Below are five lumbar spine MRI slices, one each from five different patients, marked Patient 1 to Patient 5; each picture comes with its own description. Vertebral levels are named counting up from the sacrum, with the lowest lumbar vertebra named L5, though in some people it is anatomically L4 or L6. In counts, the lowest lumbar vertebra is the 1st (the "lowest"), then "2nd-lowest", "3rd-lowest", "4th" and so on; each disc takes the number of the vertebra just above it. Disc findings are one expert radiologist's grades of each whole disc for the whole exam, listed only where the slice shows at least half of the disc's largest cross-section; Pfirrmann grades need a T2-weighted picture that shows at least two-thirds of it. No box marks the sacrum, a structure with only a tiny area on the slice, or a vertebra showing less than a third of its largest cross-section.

Patient 1 of 5:
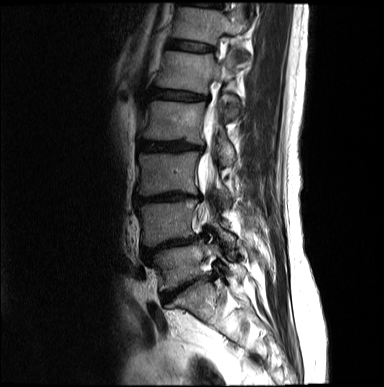 Sex M | T2-weighted sagittal MRI of the lumbar spine | Slice spacing 4.8 mm | 384x387 px

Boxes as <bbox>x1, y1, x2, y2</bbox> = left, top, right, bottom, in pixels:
L2 vertebra = <bbox>139, 96, 235, 165</bbox> | L1/L2 = <bbox>150, 88, 207, 100</bbox> | intervertebral disc T11/T12 = <bbox>182, 2, 219, 7</bbox> | L4 vertebra = <bbox>134, 198, 235, 253</bbox> | L4/L5 = <bbox>142, 235, 203, 262</bbox> | L5/S1 = <bbox>161, 274, 214, 302</bbox> | L1 vertebra = <bbox>156, 50, 239, 119</bbox> | T12/L1 = <bbox>168, 40, 212, 51</bbox> | T12 vertebra = <bbox>173, 4, 247, 44</bbox> | L3 vertebra = <bbox>136, 151, 233, 206</bbox> | L5 = <bbox>153, 240, 246, 290</bbox> | spinal canal = <bbox>198, 105, 217, 200</bbox> | intervertebral disc L3/L4 = <bbox>134, 191, 199, 204</bbox> | L2/L3 = <bbox>138, 140, 202, 151</bbox>

Radiological gradings:
- T12/L1: Pfirrmann grade 2
- L4/L5: Pfirrmann grade 4, disc bulging, lower-endplate change, disc narrowing, upper-endplate change
- L1/L2: Pfirrmann grade 3, upper-endplate change, lower-endplate change, disc bulging
- L5/S1: Pfirrmann grade 5, lower-endplate change, disc narrowing, upper-endplate change, disc bulging
- L3/L4: Pfirrmann grade 5, disc bulging, lower-endplate change, disc narrowing, upper-endplate change
- L2/L3: Pfirrmann grade 4, lower-endplate change, disc bulging, disc narrowing, upper-endplate change
- T11/T12: no spondylolisthesis, narrowing, bulging, herniation, Modic or endplate change recorded

Patient 2 of 5:
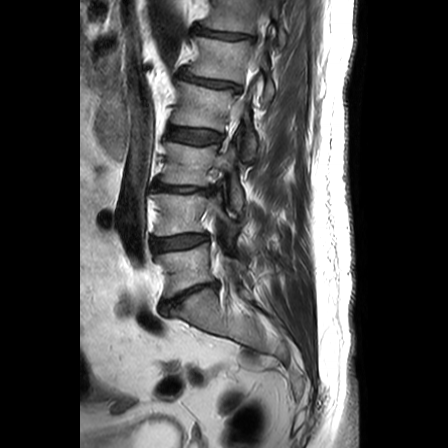
Sex M | Field of view 280x280 mm, slice spacing 3.3 mm | T2-weighted sagittal MRI of the lumbar spine

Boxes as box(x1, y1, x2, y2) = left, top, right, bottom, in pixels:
Segmented structures:
* L2: box(172, 81, 256, 160)
* L3: box(161, 142, 243, 210)
* L1: box(188, 37, 274, 100)
* disc L1/L2: box(178, 70, 240, 91)
* L5 vertebra: box(157, 243, 248, 297)
* disc L4/L5: box(152, 234, 207, 250)
* disc L5/S1: box(159, 282, 217, 314)
* T12: box(201, 0, 286, 47)
* spinal canal: box(235, 47, 262, 116)
* L4: box(152, 193, 238, 235)
* L2/L3: box(168, 127, 222, 144)
* disc T12/L1: box(194, 26, 252, 39)
* disc L3/L4: box(154, 182, 214, 193)

Per-level radiological findings:
- L5/S1: Pfirrmann grade 5, disc bulging, disc narrowing
- L3/L4: Pfirrmann grade 5, disc herniation, disc narrowing
- L2/L3: Pfirrmann grade 2
- T12/L1: Pfirrmann grade 3, disc bulging, disc narrowing
- L1/L2: Pfirrmann grade 3, disc narrowing, disc bulging
- L4/L5: Pfirrmann grade 2, disc bulging

Patient 3 of 5:
Sex F, MRI lumbar spine (T1-weighted), sagittal plane
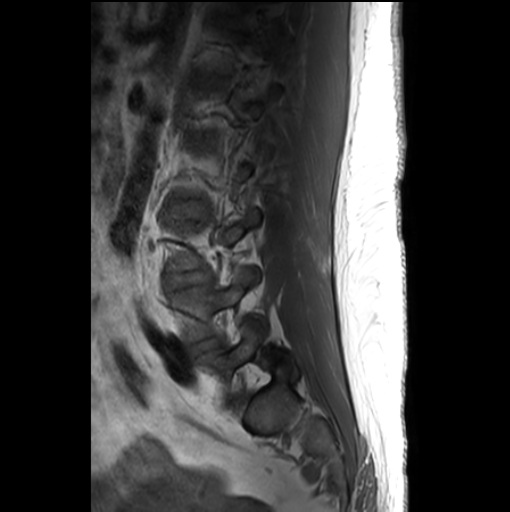
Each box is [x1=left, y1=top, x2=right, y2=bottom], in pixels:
T11 (7th vertebra): [x1=217, y1=2, x2=246, y2=13]
L5 (lowest vertebra): [x1=199, y1=329, x2=297, y2=399]
IVD L4/L5 (2nd-lowest disc): [x1=183, y1=336, x2=221, y2=355]
L3 (3rd-lowest vertebra): [x1=167, y1=210, x2=254, y2=270]
L4 (2nd-lowest vertebra): [x1=167, y1=268, x2=266, y2=342]
L3/L4 (3rd-lowest disc): [x1=165, y1=271, x2=211, y2=287]
L5/S1 (lowest disc): [x1=227, y1=392, x2=245, y2=407]

Expert MSK radiologist gradings (per disc):
- L3/L4 (3rd-lowest disc): disc narrowing, disc bulging

Patient 4 of 5:
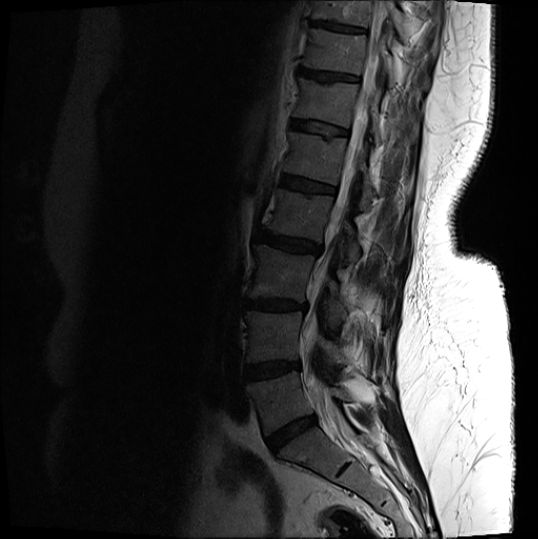 Field of view 300x300 mm, slice spacing 3.3 mm | Slice 7 of 18 | Patient sex: F | Lumbar spine MR, T2-weighted, sagittal

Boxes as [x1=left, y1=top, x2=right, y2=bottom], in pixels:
Annotations:
• 7th disc = [x1=299, y1=68, x2=358, y2=82]
• 8th disc = [x1=310, y1=21, x2=365, y2=32]
• 2nd-lowest disc = [x1=245, y1=361, x2=300, y2=379]
• lowest disc = [x1=266, y1=416, x2=316, y2=451]
• 7th vertebra = [x1=303, y1=29, x2=397, y2=85]
• 6th disc = [x1=290, y1=120, x2=347, y2=136]
• 8th vertebra = [x1=312, y1=1, x2=403, y2=38]
• 6th vertebra = [x1=293, y1=78, x2=385, y2=143]
• 3rd-lowest vertebra = [x1=248, y1=244, x2=349, y2=326]
• thecal sac / spinal canal = [x1=304, y1=1, x2=390, y2=436]
• lowest vertebra = [x1=246, y1=371, x2=350, y2=435]
• 5th vertebra = [x1=284, y1=132, x2=374, y2=210]
• 5th disc = [x1=281, y1=175, x2=335, y2=194]
• 3rd-lowest disc = [x1=245, y1=299, x2=307, y2=310]
• 4th disc = [x1=256, y1=230, x2=322, y2=255]
• 4th vertebra = [x1=266, y1=189, x2=360, y2=262]
• 2nd-lowest vertebra = [x1=245, y1=311, x2=347, y2=366]

Expert MSK radiologist gradings (per disc):
- 3rd-lowest disc: Pfirrmann grade 4, upper-endplate change, disc bulging, lower-endplate change, Modic type II, disc narrowing
- 5th disc: Pfirrmann grade 4, lower-endplate change, Modic type II, upper-endplate change
- 6th disc: Pfirrmann grade 3, lower-endplate change, upper-endplate change
- 7th disc: Pfirrmann grade 4, upper-endplate change
- 4th disc: Pfirrmann grade 4, lower-endplate change, upper-endplate change, disc bulging
- 2nd-lowest disc: Pfirrmann grade 4, disc bulging, lower-endplate change, Modic type II
- 8th disc: Pfirrmann grade 4, lower-endplate change, upper-endplate change
- lowest disc: Pfirrmann grade 4, disc bulging, disc narrowing

Patient 5 of 5:
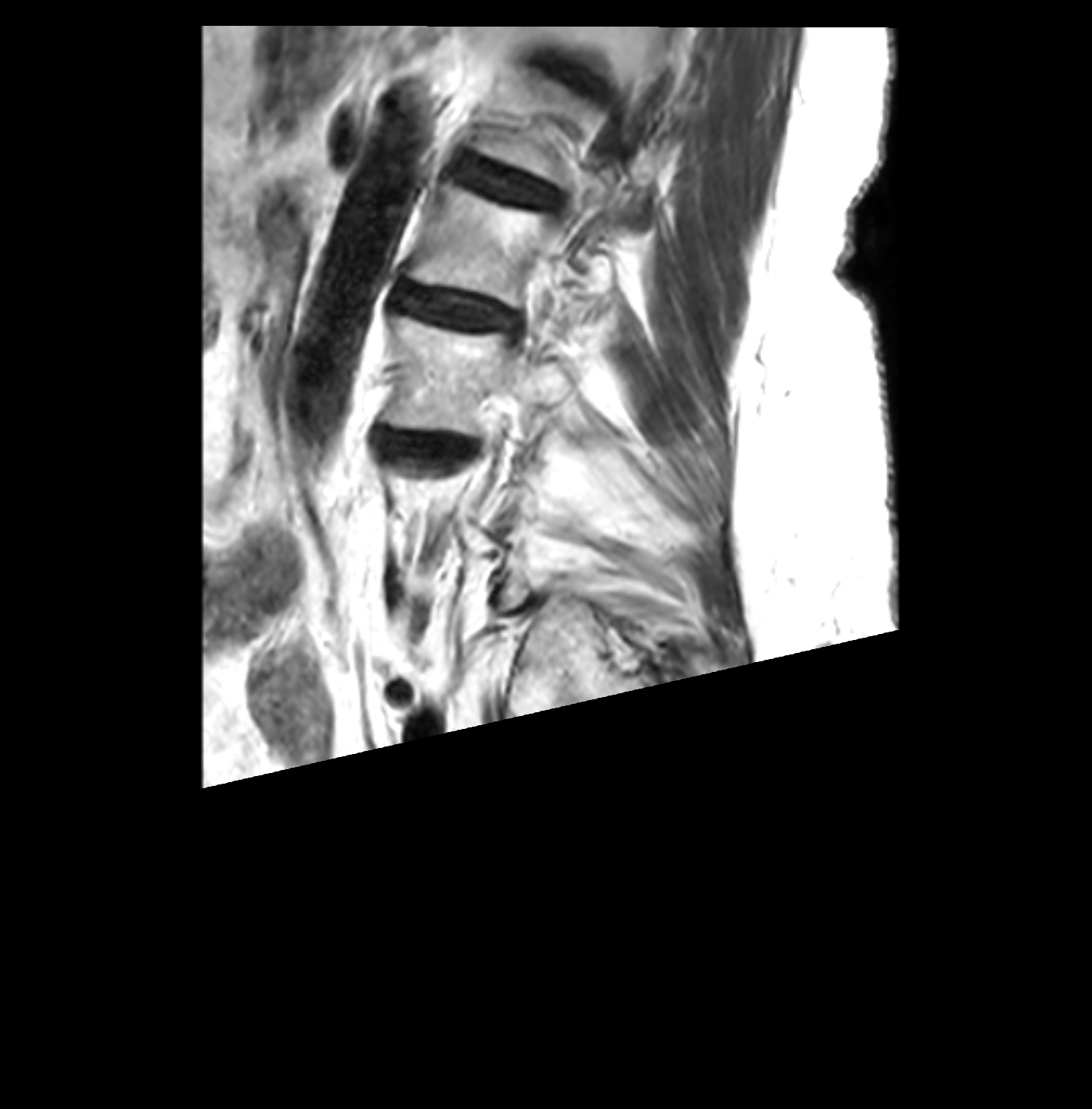 T2-weighted sagittal MRI of the lumbar spine

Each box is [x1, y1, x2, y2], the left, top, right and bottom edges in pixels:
L2: [409, 182, 609, 306]
intervertebral disc L1/L2: [453, 154, 551, 202]
intervertebral disc L3/L4: [380, 433, 467, 453]
intervertebral disc L2/L3: [397, 286, 516, 328]
intervertebral disc T12/L1: [554, 61, 577, 74]
L3: [385, 314, 571, 434]

Radiological gradings:
- L2/L3: Pfirrmann grade 3, disc bulging, Modic type II
- L1/L2: Modic type II
- L3/L4: disc bulging, disc narrowing, Modic type II